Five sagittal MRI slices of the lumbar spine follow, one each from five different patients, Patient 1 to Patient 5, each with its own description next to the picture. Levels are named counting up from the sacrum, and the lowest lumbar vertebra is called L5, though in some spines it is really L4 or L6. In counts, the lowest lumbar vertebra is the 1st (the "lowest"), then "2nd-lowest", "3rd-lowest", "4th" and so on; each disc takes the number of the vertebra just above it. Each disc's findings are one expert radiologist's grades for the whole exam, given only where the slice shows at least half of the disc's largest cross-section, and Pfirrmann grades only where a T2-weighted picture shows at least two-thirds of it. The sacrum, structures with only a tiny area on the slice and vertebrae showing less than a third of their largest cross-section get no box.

Patient 1 of 5:
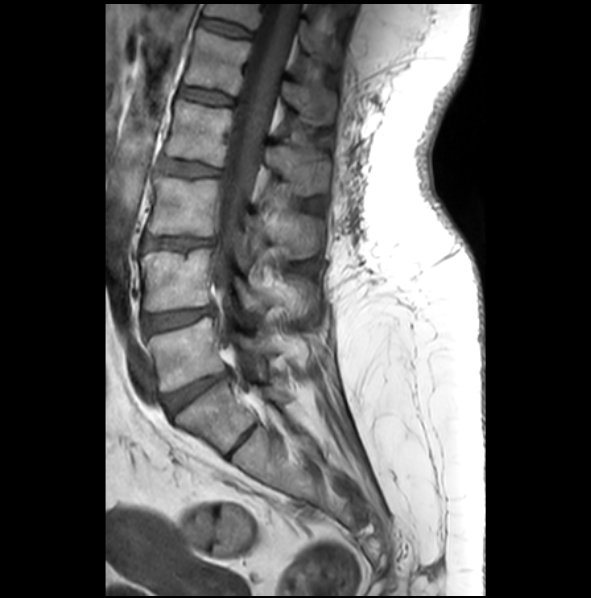
T1-weighted sagittal MRI of the lumbar spine; Slice 16/28; Image 591x598

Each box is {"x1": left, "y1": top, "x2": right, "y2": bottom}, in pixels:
{"L4 (2nd-lowest vertebra)": {"x1": 140, "y1": 248, "x2": 317, "y2": 316}, "L3 (3rd-lowest vertebra)": {"x1": 148, "y1": 173, "x2": 322, "y2": 258}, "disc L4/L5 (2nd-lowest disc)": {"x1": 141, "y1": 305, "x2": 213, "y2": 334}, "L5 (lowest vertebra)": {"x1": 148, "y1": 317, "x2": 276, "y2": 391}, "disc L2/L3 (4th disc)": {"x1": 160, "y1": 158, "x2": 217, "y2": 176}, "L1/L2 (5th disc)": {"x1": 179, "y1": 86, "x2": 234, "y2": 104}, "thecal sac / spinal canal": {"x1": 212, "y1": 3, "x2": 297, "y2": 352}, "L1 (5th vertebra)": {"x1": 185, "y1": 28, "x2": 337, "y2": 126}, "L2 (4th vertebra)": {"x1": 166, "y1": 99, "x2": 330, "y2": 193}, "T12 (6th vertebra)": {"x1": 205, "y1": 4, "x2": 340, "y2": 62}, "T12/L1 (6th disc)": {"x1": 201, "y1": 17, "x2": 250, "y2": 36}, "disc L5/S1 (lowest disc)": {"x1": 164, "y1": 369, "x2": 230, "y2": 415}, "disc L3/L4 (3rd-lowest disc)": {"x1": 143, "y1": 236, "x2": 211, "y2": 249}}

Expert MSK radiologist gradings (per disc):
  L5/S1 (lowest disc): disc bulging, upper-endplate change, lower-endplate change
  L4/L5 (2nd-lowest disc): disc bulging
  L3/L4 (3rd-lowest disc): disc narrowing, Modic type II, disc bulging, lower-endplate change, upper-endplate change
  T12/L1 (6th disc), L1/L2 (5th disc), L2/L3 (4th disc): no herniation, bulging, narrowing, spondylolisthesis, endplate or Modic change recorded

Patient 2 of 5:
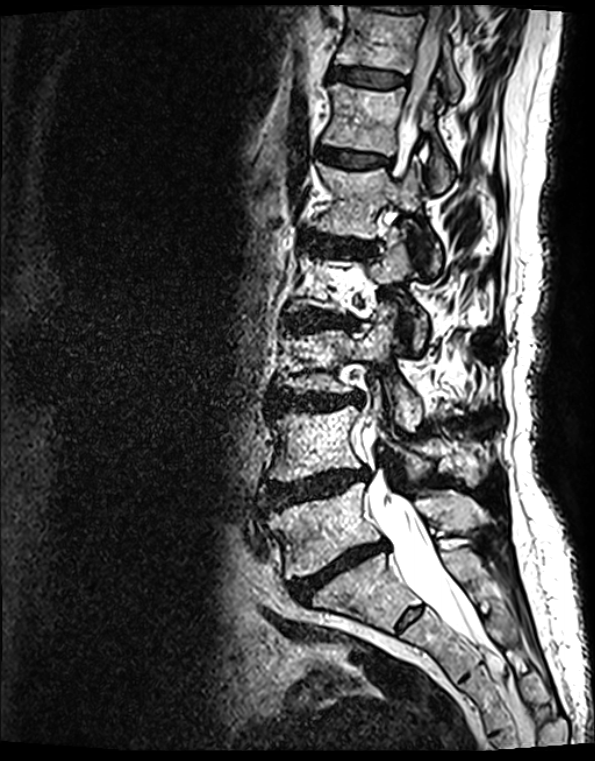

Sex F, Sagittal T2 SPACE (3D) lumbar spine MRI
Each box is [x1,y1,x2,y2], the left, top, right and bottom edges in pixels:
4th disc: [293,313,351,329].
2nd-lowest disc: [269,469,368,509].
5th vertebra: [315,165,440,271].
6th vertebra: [323,84,451,192].
6th disc: [319,148,386,168].
5th disc: [314,237,362,251].
2nd-lowest vertebra: [269,389,479,484].
3rd-lowest vertebra: [277,306,422,430].
7th vertebra: [336,7,461,103].
3rd-lowest disc: [270,391,358,410].
Lowest disc: [291,542,385,601].
Thecal sac / spinal canal: [369,7,477,643].
Lowest vertebra: [270,483,490,578].
7th disc: [330,68,405,88].

Expert MSK radiologist gradings (per disc):
- 7th disc: Pfirrmann grade 2, lower-endplate change, upper-endplate change, Modic type II
- 3rd-lowest disc: Pfirrmann grade 4, disc narrowing, disc bulging, lower-endplate change, Modic type II, upper-endplate change
- lowest disc: Pfirrmann grade 5, lower-endplate change, disc narrowing, Modic type II, disc bulging, upper-endplate change
- 2nd-lowest disc: Pfirrmann grade 4, Modic type II, lower-endplate change, disc herniation, disc narrowing, disc bulging, upper-endplate change
- 6th disc: Pfirrmann grade 2, upper-endplate change, Modic type II, lower-endplate change

Patient 3 of 5:
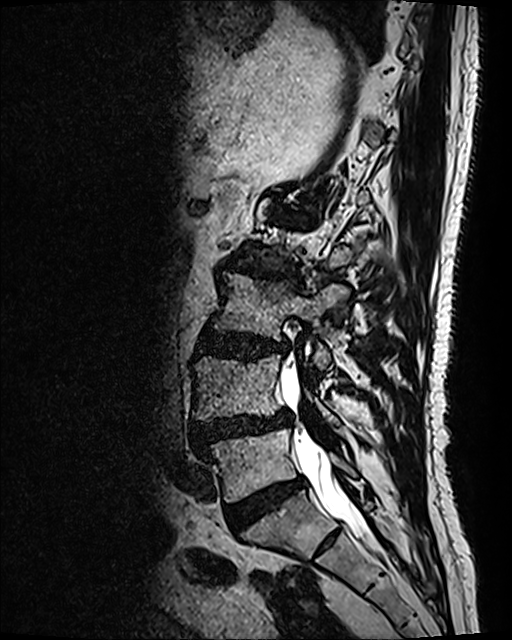 T2 SPACE (3D) sagittal MRI of the lumbar spine, Image 512x640, Slice 52/120
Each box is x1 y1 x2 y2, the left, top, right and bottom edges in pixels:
L5 (lowest vertebra) = 204 428 356 501.
IVD L2/L3 (4th disc) = 241 267 298 281.
L1/L2 (5th disc) = 275 206 300 221.
Spinal canal = 281 366 366 536.
IVD L5/S1 (lowest disc) = 226 477 306 524.
L4 (2nd-lowest vertebra) = 193 353 338 424.
L3/L4 (3rd-lowest disc) = 198 331 286 357.
IVD L4/L5 (2nd-lowest disc) = 192 413 289 450.
L3 (3rd-lowest vertebra) = 213 272 348 370.

Expert MSK radiologist gradings (per disc):
• L4/L5 (2nd-lowest disc): Pfirrmann grade 4, spondylolisthesis, disc narrowing, lower-endplate change, disc herniation, disc bulging, Modic type II, upper-endplate change
• L5/S1 (lowest disc): Pfirrmann grade 4
• L3/L4 (3rd-lowest disc): Pfirrmann grade 4, upper-endplate change, disc bulging, lower-endplate change

Patient 4 of 5:
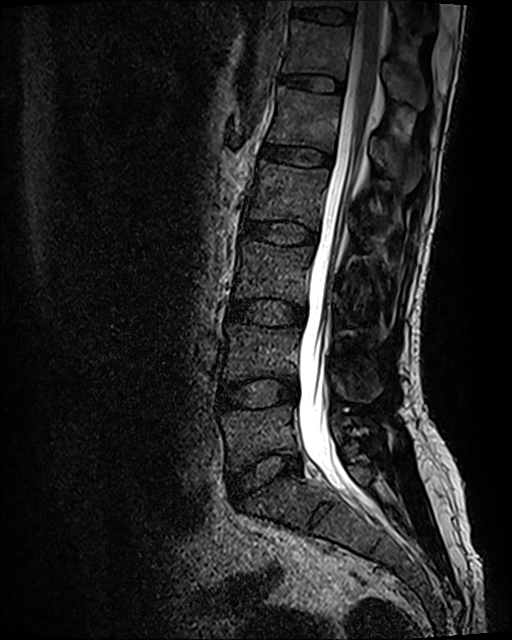 Field of view 240x300 mm, Image 512x640, MRI lumbar spine (T2 SPACE (3D)), sagittal plane, Sex M, Slice 60/120
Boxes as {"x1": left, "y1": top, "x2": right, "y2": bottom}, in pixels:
Structures:
* T11/T12 (7th disc): {"x1": 291, "y1": 7, "x2": 353, "y2": 23}
* L1 (5th vertebra): {"x1": 267, "y1": 86, "x2": 421, "y2": 191}
* T12 (6th vertebra): {"x1": 283, "y1": 19, "x2": 425, "y2": 108}
* disc L4/L5 (2nd-lowest disc): {"x1": 219, "y1": 377, "x2": 297, "y2": 409}
* T12/L1 (6th disc): {"x1": 281, "y1": 75, "x2": 343, "y2": 92}
* disc L2/L3 (4th disc): {"x1": 242, "y1": 220, "x2": 316, "y2": 245}
* L1/L2 (5th disc): {"x1": 261, "y1": 143, "x2": 331, "y2": 165}
* thecal sac / spinal canal: {"x1": 299, "y1": 1, "x2": 384, "y2": 509}
* L5/S1 (lowest disc): {"x1": 228, "y1": 450, "x2": 301, "y2": 499}
* L4 (2nd-lowest vertebra): {"x1": 223, "y1": 324, "x2": 381, "y2": 402}
* L3/L4 (3rd-lowest disc): {"x1": 227, "y1": 299, "x2": 305, "y2": 325}
* T11 (7th vertebra): {"x1": 293, "y1": 0, "x2": 432, "y2": 30}
* L3 (3rd-lowest vertebra): {"x1": 234, "y1": 238, "x2": 389, "y2": 338}
* L5 (lowest vertebra): {"x1": 220, "y1": 404, "x2": 344, "y2": 471}
* L2 (4th vertebra): {"x1": 246, "y1": 159, "x2": 371, "y2": 250}

Radiological gradings:
• L2/L3 (4th disc): Pfirrmann grade 2
• L5/S1 (lowest disc): Pfirrmann grade 2, disc bulging
• T11/T12 (7th disc): Pfirrmann grade 2
• T12/L1 (6th disc): Pfirrmann grade 2
• L4/L5 (2nd-lowest disc): Pfirrmann grade 2, disc bulging
• L3/L4 (3rd-lowest disc): Pfirrmann grade 2, disc bulging
• L1/L2 (5th disc): Pfirrmann grade 2

Patient 5 of 5:
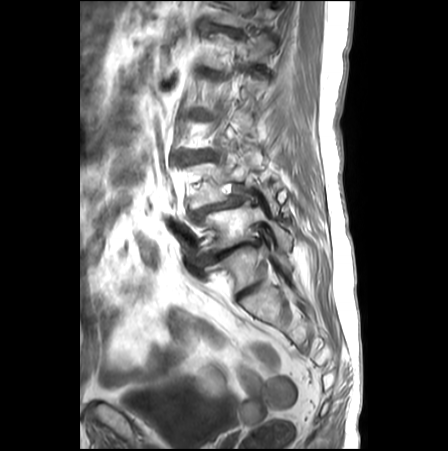

448x451 px. MRI lumbar spine (T1-weighted), sagittal plane.

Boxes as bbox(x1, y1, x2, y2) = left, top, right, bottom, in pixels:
L1 — bbox(201, 33, 274, 69) | L5 — bbox(199, 201, 290, 252) | disc L3/L4 — bbox(183, 148, 210, 162) | L4/L5 — bbox(188, 194, 244, 221) | L4 vertebra — bbox(187, 153, 278, 217) | disc L5/S1 — bbox(202, 239, 261, 265) | T12 vertebra — bbox(209, 1, 270, 26) | disc T12/L1 — bbox(201, 24, 240, 34)

Per-level radiological findings:
  L4/L5: lower-endplate change, disc herniation, disc narrowing, spondylolisthesis, Modic type II, upper-endplate change, disc bulging
  L5/S1: disc narrowing, disc bulging, lower-endplate change, upper-endplate change, Modic type II, disc herniation